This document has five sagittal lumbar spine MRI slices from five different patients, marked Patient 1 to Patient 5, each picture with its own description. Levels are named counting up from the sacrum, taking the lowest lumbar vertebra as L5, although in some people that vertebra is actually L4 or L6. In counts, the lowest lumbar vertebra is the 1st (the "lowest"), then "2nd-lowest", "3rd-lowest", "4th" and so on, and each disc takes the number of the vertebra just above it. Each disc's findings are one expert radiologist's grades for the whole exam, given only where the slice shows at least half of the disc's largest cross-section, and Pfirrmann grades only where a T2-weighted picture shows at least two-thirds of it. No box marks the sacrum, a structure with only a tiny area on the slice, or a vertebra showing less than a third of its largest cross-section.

Patient 1 of 5:
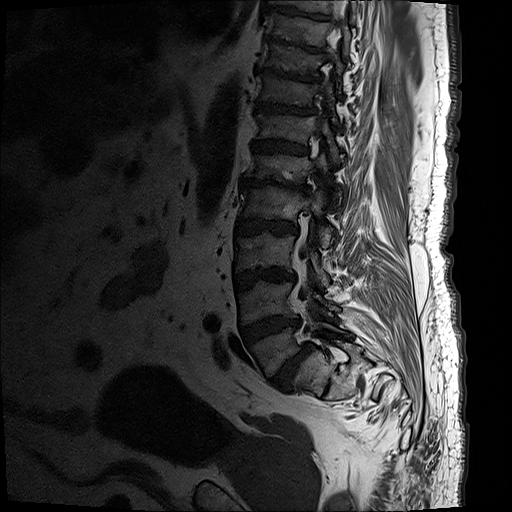 Sagittal T1-weighted lumbar spine MRI

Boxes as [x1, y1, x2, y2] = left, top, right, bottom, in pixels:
T12 = [253, 105, 340, 165].
L4 = [237, 280, 338, 325].
Intervertebral disc T9/T10 = [263, 34, 324, 52].
T11 = [255, 73, 338, 126].
T10 = [259, 41, 343, 93].
L1/L2 = [239, 176, 310, 193].
L2/L3 = [235, 218, 296, 235].
T10/T11 = [255, 66, 320, 82].
L3 vertebra = [235, 230, 329, 283].
Thecal sac / spinal canal = [299, 0, 346, 299].
Intervertebral disc T11/T12 = [254, 101, 316, 115].
Intervertebral disc L3/L4 = [233, 268, 294, 289].
T12/L1 = [250, 139, 308, 155].
L5 vertebra = [248, 319, 351, 376].
L5/S1 = [271, 342, 310, 389].
L4/L5 = [239, 315, 300, 344].
L2 vertebra = [239, 184, 332, 247].
L1 vertebra = [245, 141, 338, 209].

Degenerative findings by level:
  L1/L2: disc narrowing, lower-endplate change, disc bulging, upper-endplate change, Modic type II
  L2/L3: Modic type II, upper-endplate change, lower-endplate change, disc narrowing, disc bulging
  L4/L5: lower-endplate change, disc narrowing, upper-endplate change, disc bulging, Modic type II
  L5/S1: upper-endplate change, Modic type II, spondylolisthesis, lower-endplate change, disc narrowing, disc bulging
  T11/T12: Modic type II, upper-endplate change, disc bulging, disc narrowing, lower-endplate change
  L3/L4: Modic type II, lower-endplate change, disc bulging, disc narrowing, upper-endplate change
  T12/L1: Modic type II, disc bulging, lower-endplate change, upper-endplate change, disc narrowing

Patient 2 of 5:
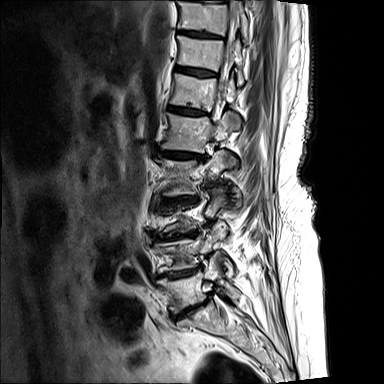 384x384 px. Lumbar spine MR, T2-weighted, sagittal. Slice 5/17. Field of view 280x280 mm.
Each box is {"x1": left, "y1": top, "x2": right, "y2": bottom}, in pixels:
8th disc — {"x1": 178, "y1": 30, "x2": 219, "y2": 38}.
Lowest vertebra — {"x1": 158, "y1": 256, "x2": 240, "y2": 313}.
4th disc — {"x1": 168, "y1": 196, "x2": 189, "y2": 201}.
6th disc — {"x1": 169, "y1": 106, "x2": 204, "y2": 114}.
7th vertebra — {"x1": 178, "y1": 36, "x2": 243, "y2": 84}.
6th vertebra — {"x1": 170, "y1": 74, "x2": 236, "y2": 111}.
2nd-lowest vertebra — {"x1": 155, "y1": 233, "x2": 232, "y2": 275}.
2nd-lowest disc — {"x1": 161, "y1": 266, "x2": 200, "y2": 279}.
Lowest disc — {"x1": 173, "y1": 293, "x2": 211, "y2": 318}.
8th vertebra — {"x1": 178, "y1": 1, "x2": 248, "y2": 39}.
7th disc — {"x1": 176, "y1": 67, "x2": 214, "y2": 76}.
4th vertebra — {"x1": 157, "y1": 150, "x2": 241, "y2": 206}.
5th disc — {"x1": 159, "y1": 150, "x2": 204, "y2": 159}.
5th vertebra — {"x1": 162, "y1": 111, "x2": 240, "y2": 152}.
3rd-lowest disc — {"x1": 163, "y1": 233, "x2": 178, "y2": 238}.
Thecal sac / spinal canal — {"x1": 221, "y1": 14, "x2": 239, "y2": 100}.

Degenerative findings by level:
• 6th disc: Pfirrmann grade 4
• 7th disc: Pfirrmann grade 4, upper-endplate change
• 2nd-lowest disc: Pfirrmann grade 5, Modic type II, lower-endplate change, upper-endplate change, disc bulging, disc narrowing
• lowest disc: lower-endplate change, disc bulging, upper-endplate change, Modic type II, disc narrowing
• 8th disc: Pfirrmann grade 4, upper-endplate change
• 5th disc: Pfirrmann grade 5, disc bulging, Modic type I, upper-endplate change, lower-endplate change, disc narrowing

Patient 3 of 5:
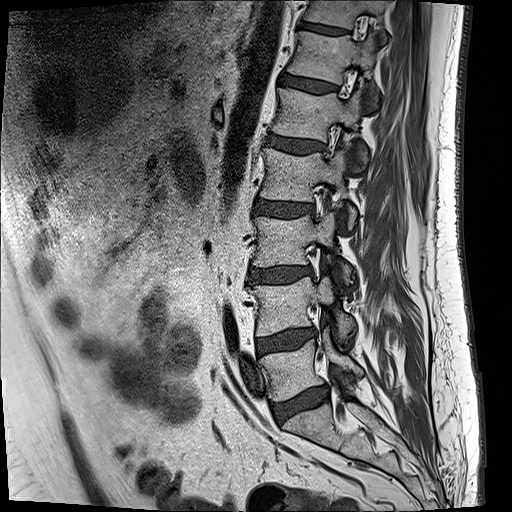 Sagittal T1-weighted lumbar spine MRI | Slice spacing 3.3 mm | Sagittal slice index 4 | Patient sex: M

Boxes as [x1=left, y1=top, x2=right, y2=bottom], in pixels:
2nd-lowest vertebra: [x1=253, y1=275, x2=355, y2=339].
5th disc: [x1=265, y1=133, x2=325, y2=154].
2nd-lowest disc: [x1=257, y1=329, x2=311, y2=354].
4th disc: [x1=254, y1=199, x2=311, y2=215].
6th vertebra: [x1=286, y1=31, x2=377, y2=106].
3rd-lowest vertebra: [x1=253, y1=211, x2=352, y2=284].
4th vertebra: [x1=259, y1=148, x2=356, y2=229].
Lowest vertebra: [x1=259, y1=331, x2=363, y2=401].
6th disc: [x1=282, y1=73, x2=337, y2=92].
3rd-lowest disc: [x1=246, y1=265, x2=306, y2=284].
7th vertebra: [x1=305, y1=0, x2=384, y2=28].
Lowest disc: [x1=271, y1=387, x2=328, y2=421].
5th vertebra: [x1=270, y1=87, x2=368, y2=167].
7th disc: [x1=300, y1=21, x2=348, y2=34].

Per-level radiological findings:
- 5th disc: disc bulging
- 3rd-lowest disc: disc bulging, Modic type II
- lowest disc: disc narrowing, disc bulging, Modic type II
- 2nd-lowest disc: Modic type II, disc bulging
- 4th disc: disc bulging
- 7th disc, 6th disc: no herniation, bulging, narrowing, spondylolisthesis, endplate or Modic change recorded

Patient 4 of 5:
MRI lumbar spine (T1-weighted), sagittal plane, Slice 25/50, Slice spacing 3.3 mm 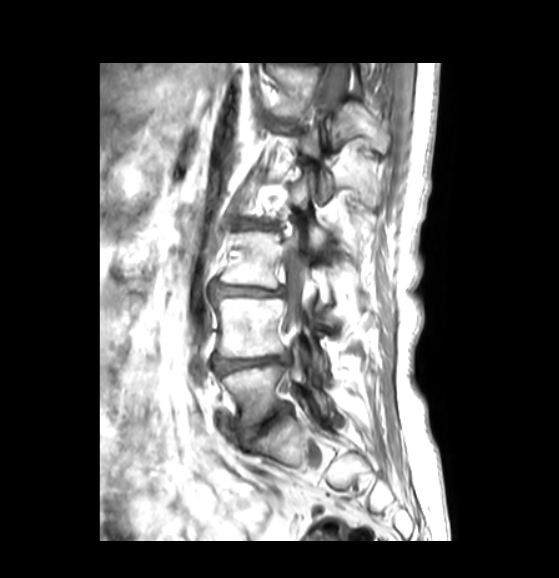

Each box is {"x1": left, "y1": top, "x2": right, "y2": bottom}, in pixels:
Intervertebral disc L2/L3 (4th disc) = {"x1": 235, "y1": 220, "x2": 274, "y2": 230}.
L3/L4 (3rd-lowest disc) = {"x1": 217, "y1": 284, "x2": 280, "y2": 296}.
Intervertebral disc T12/L1 (6th disc) = {"x1": 268, "y1": 117, "x2": 299, "y2": 126}.
Thecal sac / spinal canal = {"x1": 283, "y1": 72, "x2": 346, "y2": 332}.
L5 (lowest vertebra) = {"x1": 223, "y1": 360, "x2": 331, "y2": 424}.
L3 (3rd-lowest vertebra) = {"x1": 221, "y1": 231, "x2": 352, "y2": 323}.
Intervertebral disc L5/S1 (lowest disc) = {"x1": 240, "y1": 407, "x2": 289, "y2": 443}.
L4 (2nd-lowest vertebra) = {"x1": 217, "y1": 297, "x2": 327, "y2": 376}.
L4/L5 (2nd-lowest disc) = {"x1": 215, "y1": 354, "x2": 287, "y2": 372}.
Intervertebral disc T11/T12 (7th disc) = {"x1": 280, "y1": 57, "x2": 317, "y2": 63}.
T12 (6th vertebra) = {"x1": 266, "y1": 63, "x2": 389, "y2": 150}.

Degenerative findings by level:
• L5/S1 (lowest disc): disc bulging, disc narrowing
• L3/L4 (3rd-lowest disc): disc narrowing, disc bulging
• L4/L5 (2nd-lowest disc): disc bulging

Patient 5 of 5:
Slice 5 of 19; Lumbar spine MR, T1-weighted, sagittal; 512x512 px
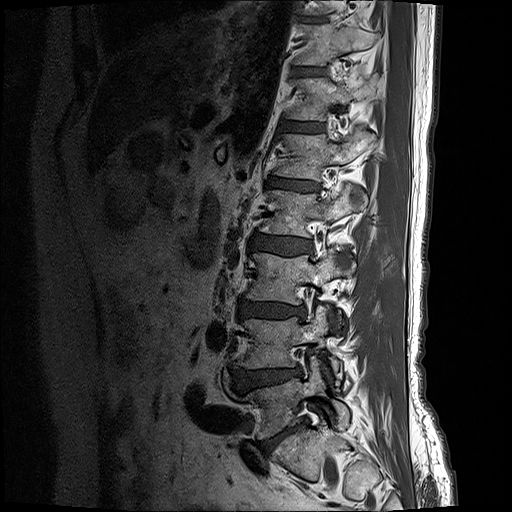 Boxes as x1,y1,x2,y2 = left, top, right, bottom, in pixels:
5th vertebra — 273,127,375,181 | 3rd-lowest vertebra — 245,248,355,304 | lowest vertebra — 236,357,349,438 | 6th vertebra — 289,77,378,121 | 5th disc — 269,177,319,190 | lowest disc — 261,424,301,450 | 3rd-lowest disc — 239,299,306,318 | 4th vertebra — 260,185,367,237 | 2nd-lowest vertebra — 239,305,343,385 | 6th disc — 282,122,322,133 | 7th vertebra — 294,23,380,66 | 4th disc — 251,233,312,254 | 7th disc — 297,69,322,74 | 8th disc — 304,17,328,23 | 2nd-lowest disc — 232,367,301,390

Degenerative findings by level:
  2nd-lowest disc: disc bulging, disc herniation
  3rd-lowest disc: disc narrowing, lower-endplate change, disc bulging, Modic type II
  4th disc: disc bulging
  5th disc: upper-endplate change, disc bulging, Modic type II, lower-endplate change, disc narrowing
  6th disc: no herniation, bulging, narrowing, spondylolisthesis, endplate or Modic change recorded